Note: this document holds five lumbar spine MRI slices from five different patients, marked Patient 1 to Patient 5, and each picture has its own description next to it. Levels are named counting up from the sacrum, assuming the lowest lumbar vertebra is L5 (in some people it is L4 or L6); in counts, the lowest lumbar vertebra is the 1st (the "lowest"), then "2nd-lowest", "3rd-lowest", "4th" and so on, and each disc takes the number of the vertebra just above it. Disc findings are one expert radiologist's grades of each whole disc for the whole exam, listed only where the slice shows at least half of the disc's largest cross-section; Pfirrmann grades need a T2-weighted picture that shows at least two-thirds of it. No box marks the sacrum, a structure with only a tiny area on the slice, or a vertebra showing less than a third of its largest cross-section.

Patient 1 of 5:
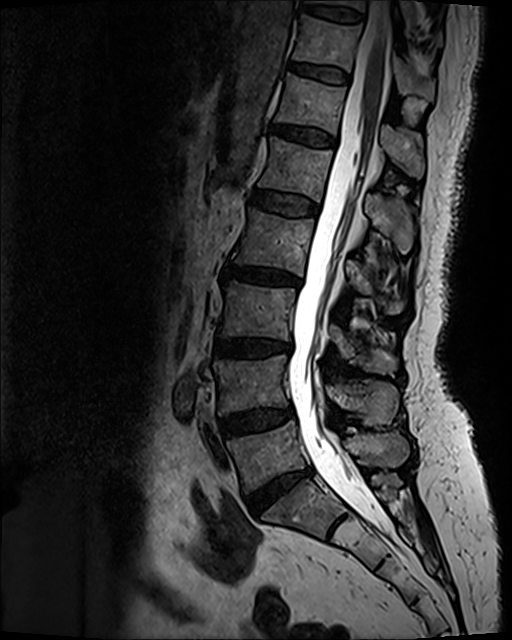 Slice 61/120 | Patient sex: F | 512x640 px | Lumbar spine MR, T2 SPACE (3D), sagittal
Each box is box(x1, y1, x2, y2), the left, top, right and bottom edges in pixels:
L2 (4th vertebra) at box(232, 208, 404, 313); spinal canal at box(288, 1, 392, 534); IVD T10/T11 (8th disc) at box(299, 5, 361, 21); T11 (7th vertebra) at box(292, 15, 434, 101); IVD L2/L3 (4th disc) at box(223, 262, 300, 284); T11/T12 (7th disc) at box(291, 64, 349, 83); IVD T12/L1 (6th disc) at box(270, 124, 335, 146); T12 (6th vertebra) at box(275, 73, 425, 178); IVD L5/S1 (lowest disc) at box(247, 470, 311, 515); L1/L2 (5th disc) at box(251, 191, 317, 215); L5 (lowest vertebra) at box(227, 421, 409, 493); L3/L4 (3rd-lowest disc) at box(214, 339, 290, 355); IVD L4/L5 (2nd-lowest disc) at box(221, 407, 292, 436); L4 (2nd-lowest vertebra) at box(213, 354, 398, 426); T10 (8th vertebra) at box(305, 0, 419, 28); L3 (3rd-lowest vertebra) at box(219, 281, 397, 375); L1 (5th vertebra) at box(259, 137, 413, 252).

Expert MSK radiologist gradings (per disc):
• T10/T11 (8th disc): Pfirrmann grade 2
• L1/L2 (5th disc): Pfirrmann grade 2
• L4/L5 (2nd-lowest disc): Pfirrmann grade 3, disc bulging
• L5/S1 (lowest disc): Pfirrmann grade 4, disc bulging, disc narrowing
• T12/L1 (6th disc): Pfirrmann grade 3, disc bulging
• L3/L4 (3rd-lowest disc): Pfirrmann grade 4, Modic type II, upper-endplate change, disc bulging, disc narrowing, lower-endplate change
• L2/L3 (4th disc): Pfirrmann grade 4, disc bulging, upper-endplate change, Modic type II, lower-endplate change, disc narrowing
• T11/T12 (7th disc): Pfirrmann grade 2

Patient 2 of 5:
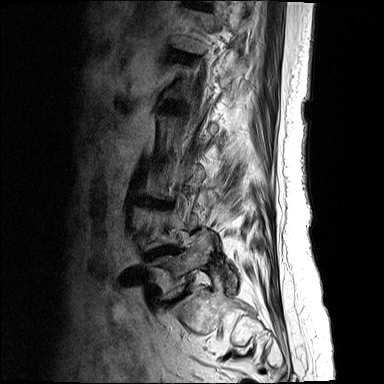

Sagittal T2-weighted lumbar spine MRI | Patient sex: F | Sagittal slice index 14
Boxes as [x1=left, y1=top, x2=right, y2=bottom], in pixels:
Intervertebral disc L4/L5 at [x1=147, y1=247, x2=177, y2=257], L5 vertebra at [x1=147, y1=229, x2=236, y2=298], intervertebral disc T11/T12 at [x1=188, y1=1, x2=208, y2=9].

Degenerative findings by level:
  L4/L5: upper-endplate change, disc bulging, lower-endplate change, Modic type II, disc narrowing

Patient 3 of 5:
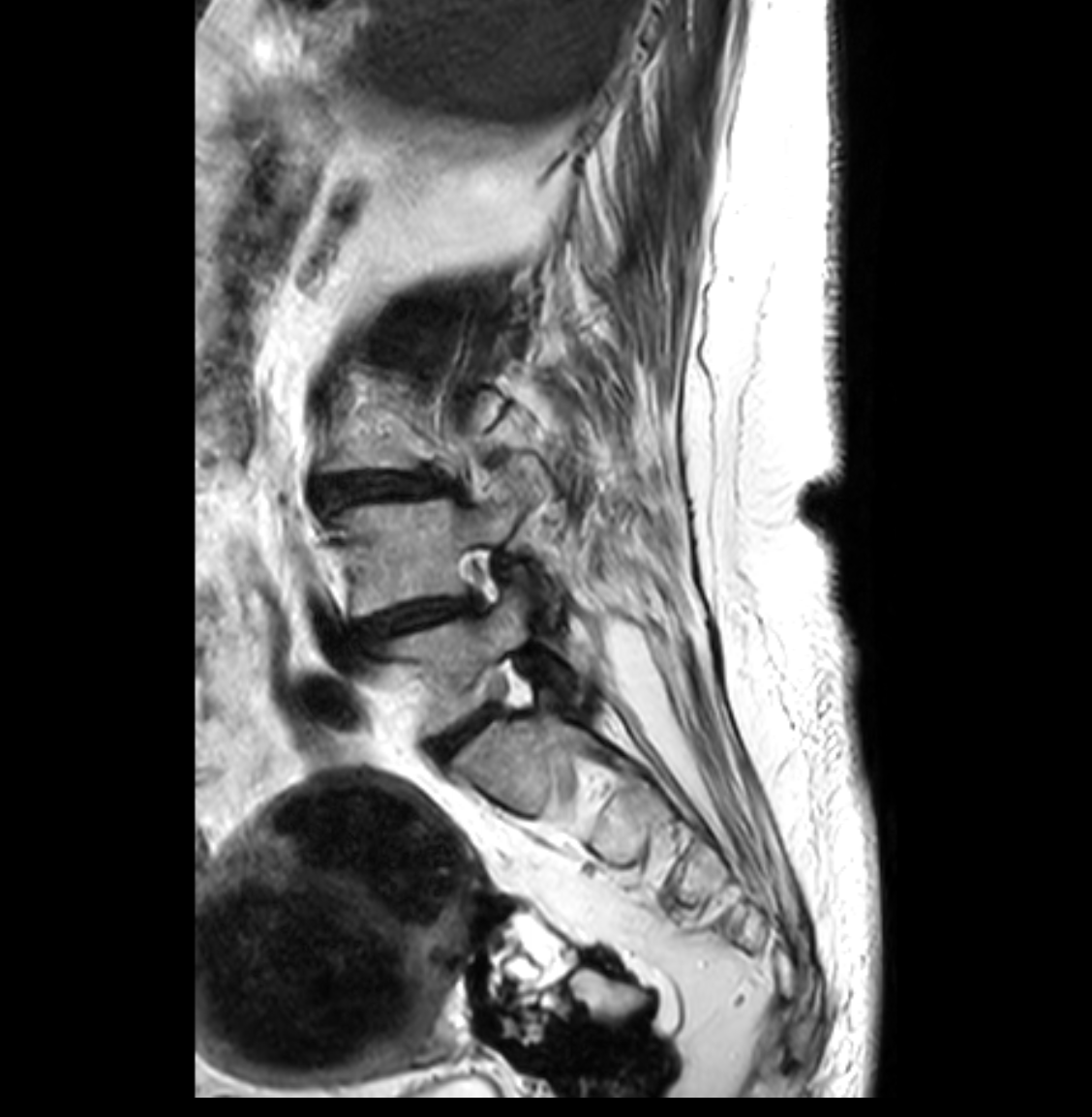 Slice 10 of 33 | Patient sex: F | T2-weighted sagittal MRI of the lumbar spine

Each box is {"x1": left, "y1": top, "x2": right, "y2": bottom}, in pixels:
IVD L4/L5 at {"x1": 356, "y1": 597, "x2": 472, "y2": 639}, L5 vertebra at {"x1": 380, "y1": 590, "x2": 528, "y2": 735}, IVD L5/S1 at {"x1": 432, "y1": 708, "x2": 492, "y2": 756}, L3/L4 at {"x1": 321, "y1": 473, "x2": 445, "y2": 505}, L4 vertebra at {"x1": 331, "y1": 498, "x2": 558, "y2": 616}.

Radiological gradings:
  L3/L4: Pfirrmann grade 4, disc narrowing, spondylolisthesis, disc bulging
  L4/L5: Pfirrmann grade 4, disc bulging, disc narrowing

Patient 4 of 5:
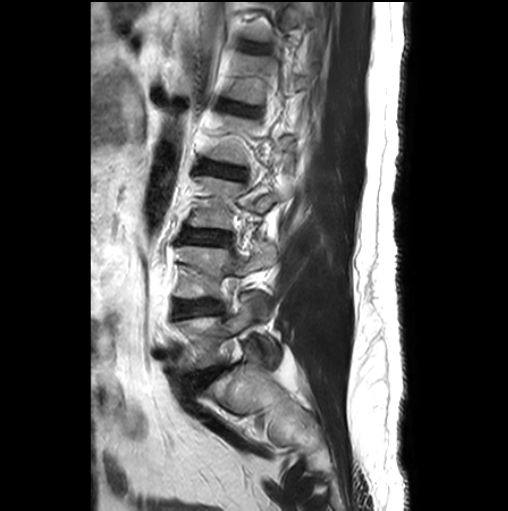 Sex M; T2-weighted sagittal MRI of the lumbar spine; Slice 20 of 26; Image 508x511; Slice spacing 3.3 mm

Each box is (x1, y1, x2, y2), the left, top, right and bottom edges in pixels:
L2/L3: (197, 161, 244, 178) | L2 vertebra: (208, 114, 306, 164) | intervertebral disc L1/L2: (221, 102, 254, 115) | L3 vertebra: (189, 176, 283, 228) | intervertebral disc L4/L5: (174, 300, 221, 316) | intervertebral disc L3/L4: (182, 229, 229, 244) | L1 vertebra: (228, 53, 309, 104) | T12/L1: (239, 41, 269, 52) | L4: (174, 246, 275, 316) | intervertebral disc L5/S1: (194, 363, 224, 386) | L5: (175, 296, 274, 370)

Degenerative findings by level:
- L4/L5: Modic type II
- L2/L3, L3/L4: no herniation, bulging, narrowing, spondylolisthesis, endplate or Modic change recorded

Patient 5 of 5:
Sex F; Image 752x748; Sagittal slice index 6; T2-weighted sagittal MRI of the lumbar spine 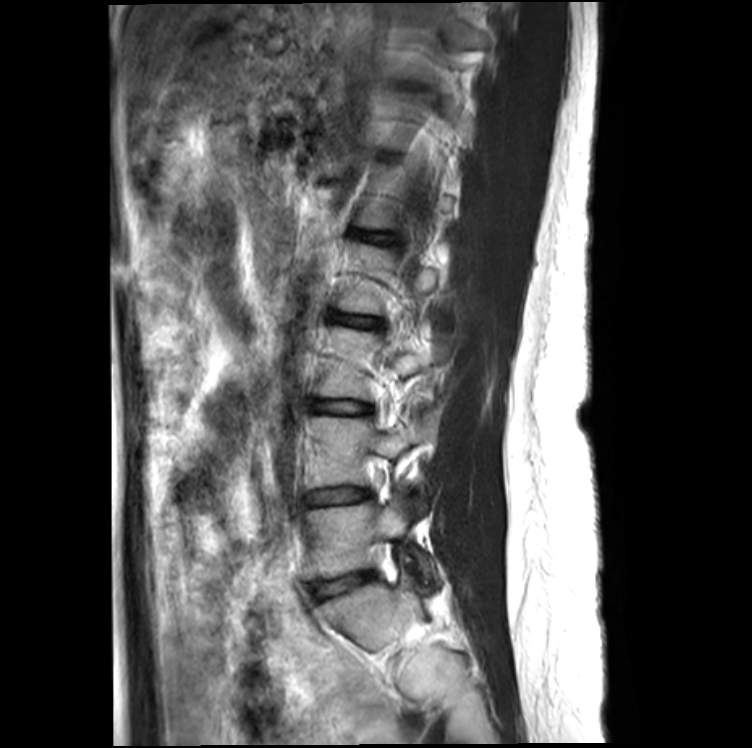

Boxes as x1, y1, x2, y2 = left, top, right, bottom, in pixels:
3rd-lowest disc at 311, 401, 368, 413 | 2nd-lowest disc at 306, 488, 366, 505 | 2nd-lowest vertebra at 304, 415, 434, 489 | 3rd-lowest vertebra at 317, 325, 423, 399 | lowest vertebra at 306, 499, 433, 580 | 5th disc at 361, 232, 389, 242 | lowest disc at 312, 572, 371, 598 | 4th disc at 332, 312, 379, 327

Radiological gradings:
- lowest disc: lower-endplate change
- 2nd-lowest disc, 3rd-lowest disc: no herniation, bulging, narrowing, spondylolisthesis, endplate or Modic change recorded